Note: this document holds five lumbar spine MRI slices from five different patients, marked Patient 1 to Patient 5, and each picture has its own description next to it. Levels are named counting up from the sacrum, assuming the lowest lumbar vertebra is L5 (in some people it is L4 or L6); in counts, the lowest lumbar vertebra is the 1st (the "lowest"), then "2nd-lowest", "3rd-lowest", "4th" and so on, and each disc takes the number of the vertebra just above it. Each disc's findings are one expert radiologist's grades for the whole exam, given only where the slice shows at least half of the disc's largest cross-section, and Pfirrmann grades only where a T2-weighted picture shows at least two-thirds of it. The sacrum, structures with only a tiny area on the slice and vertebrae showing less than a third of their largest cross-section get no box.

Patient 1 of 5:
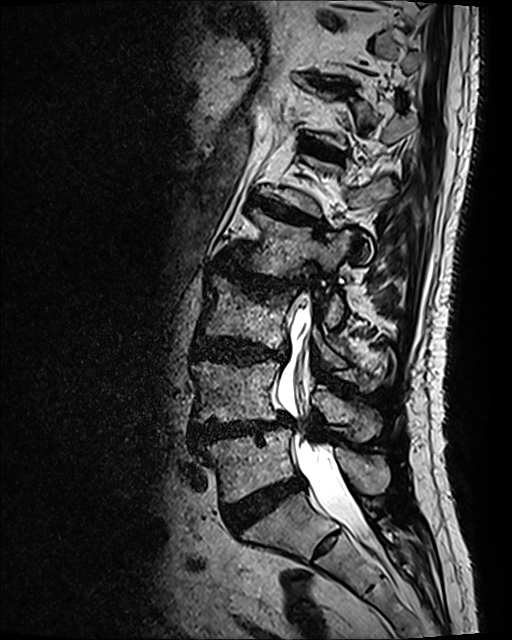 Field of view 240x300 mm, slice spacing 0.9 mm, T2 SPACE (3D) sagittal MRI of the lumbar spine, 512x640 px, Slice 62/120
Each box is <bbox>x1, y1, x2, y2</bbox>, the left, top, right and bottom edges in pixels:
L2 (4th vertebra): <bbox>234, 209, 352, 326</bbox> | L2/L3 (4th disc): <bbox>216, 262, 300, 290</bbox> | L3 (3rd-lowest vertebra): <bbox>199, 275, 379, 390</bbox> | L5 (lowest vertebra): <bbox>206, 428, 390, 501</bbox> | T11/T12 (7th disc): <bbox>313, 78, 347, 89</bbox> | L3/L4 (3rd-lowest disc): <bbox>194, 336, 286, 364</bbox> | IVD L5/S1 (lowest disc): <bbox>223, 475, 304, 532</bbox> | IVD L1/L2 (5th disc): <bbox>253, 198, 324, 230</bbox> | L4 (2nd-lowest vertebra): <bbox>192, 359, 381, 441</bbox> | IVD L4/L5 (2nd-lowest disc): <bbox>191, 412, 291, 447</bbox> | spinal canal: <bbox>278, 306, 371, 540</bbox> | IVD T12/L1 (6th disc): <bbox>304, 140, 342, 159</bbox>

Radiological gradings:
• L4/L5 (2nd-lowest disc): Pfirrmann grade 4, lower-endplate change, disc herniation, Modic type II, disc narrowing, upper-endplate change, spondylolisthesis, disc bulging
• L5/S1 (lowest disc): Pfirrmann grade 4
• L2/L3 (4th disc): Pfirrmann grade 4, lower-endplate change, disc bulging, upper-endplate change, Modic type I, disc narrowing
• L1/L2 (5th disc): upper-endplate change, Modic type II, lower-endplate change, disc bulging
• L3/L4 (3rd-lowest disc): Pfirrmann grade 4, disc bulging, upper-endplate change, lower-endplate change

Patient 2 of 5:
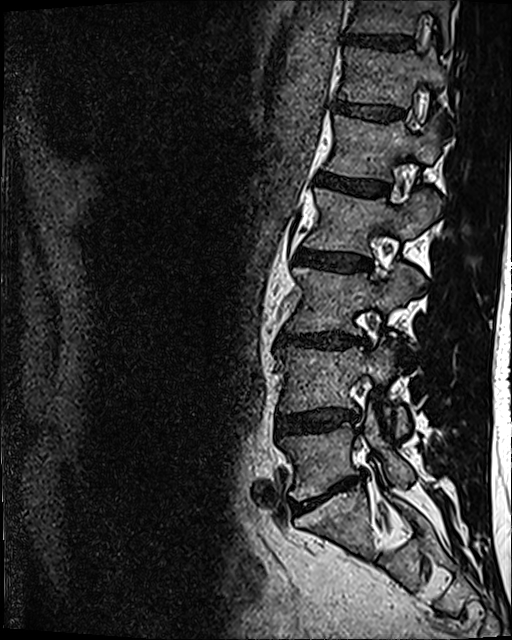
T2 SPACE (3D) sagittal MRI of the lumbar spine. Sagittal slice index 45.

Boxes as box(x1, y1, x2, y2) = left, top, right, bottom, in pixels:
4th vertebra at box(304, 188, 440, 255).
6th vertebra at box(339, 46, 444, 106).
6th disc at box(333, 102, 404, 119).
7th disc at box(344, 34, 412, 51).
5th disc at box(317, 172, 388, 196).
3rd-lowest disc at box(277, 331, 367, 348).
Lowest disc at box(294, 474, 359, 509).
4th disc at box(295, 249, 370, 271).
5th vertebra at box(327, 115, 440, 181).
7th vertebra at box(349, 0, 451, 49).
2nd-lowest vertebra at box(276, 345, 407, 434).
Lowest vertebra at box(280, 407, 413, 499).
2nd-lowest disc at box(276, 407, 359, 434).
3rd-lowest vertebra at box(287, 265, 423, 333).

Radiological gradings:
  6th disc: Pfirrmann grade 3
  2nd-lowest disc: Pfirrmann grade 3, disc narrowing, disc bulging
  3rd-lowest disc: Pfirrmann grade 4, disc narrowing, lower-endplate change, disc bulging
  7th disc: Pfirrmann grade 4
  4th disc: Pfirrmann grade 3, disc bulging
  5th disc: Pfirrmann grade 4

Patient 3 of 5:
MRI lumbar spine (T1-weighted), sagittal plane, 863x861 px, Sagittal slice index 6, Field of view 310x309 mm, slice spacing 4.4 mm 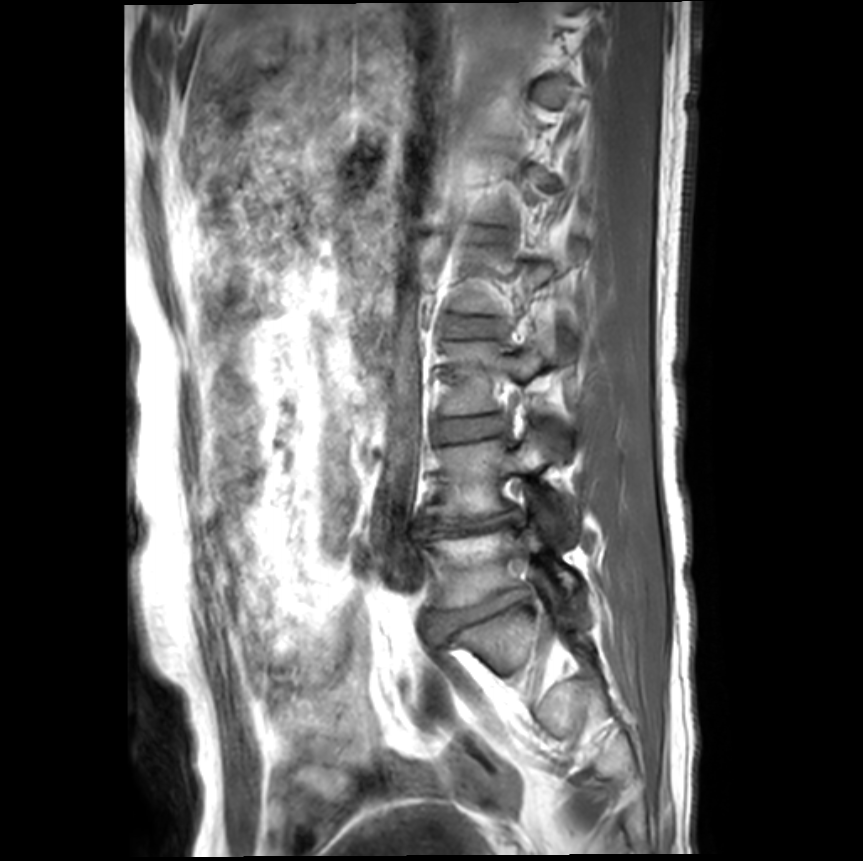
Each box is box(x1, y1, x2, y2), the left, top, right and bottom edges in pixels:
Annotations:
• 3rd-lowest vertebra at box(443, 332, 562, 414)
• lowest vertebra at box(428, 522, 577, 608)
• 2nd-lowest vertebra at box(425, 425, 565, 529)
• 4th disc at box(447, 316, 501, 337)
• 2nd-lowest disc at box(427, 510, 515, 533)
• lowest disc at box(423, 589, 531, 646)
• 3rd-lowest disc at box(435, 415, 505, 441)

Expert MSK radiologist gradings (per disc):
- 2nd-lowest disc: Modic type II, upper-endplate change, disc narrowing, lower-endplate change, disc bulging
- lowest disc: disc bulging, disc narrowing, lower-endplate change, upper-endplate change, spondylolisthesis
- 3rd-lowest disc: no spondylolisthesis, narrowing, bulging, herniation, Modic or endplate change recorded

Patient 4 of 5:
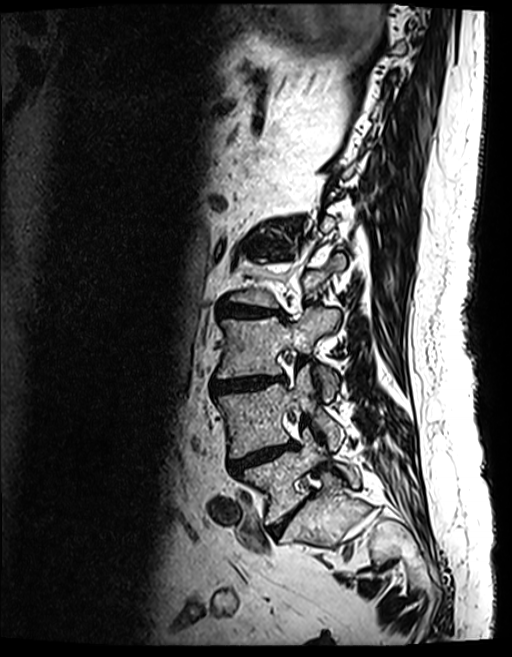

Slice spacing 0.9 mm; Patient sex: F; Image 512x657; Lumbar spine MR, T2 SPACE (3D), sagittal

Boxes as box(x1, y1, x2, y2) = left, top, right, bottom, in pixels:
{"intervertebral disc L2/L3 (4th disc)": "box(217, 302, 281, 316)", "L4 (2nd-lowest vertebra)": "box(218, 363, 343, 457)", "L3/L4 (3rd-lowest disc)": "box(214, 376, 284, 390)", "intervertebral disc L5/S1 (lowest disc)": "box(271, 502, 304, 534)", "intervertebral disc L4/L5 (2nd-lowest disc)": "box(229, 442, 294, 474)", "L3 (3rd-lowest vertebra)": "box(218, 308, 339, 380)", "L5 (lowest vertebra)": "box(241, 428, 359, 524)"}

Degenerative findings by level:
• L3/L4 (3rd-lowest disc): Pfirrmann grade 4, Modic type II, disc bulging, lower-endplate change, upper-endplate change, disc narrowing
• L4/L5 (2nd-lowest disc): Pfirrmann grade 5, disc bulging, upper-endplate change, Modic type II, lower-endplate change, disc narrowing
• L2/L3 (4th disc): Pfirrmann grade 4, Modic type II, disc narrowing, lower-endplate change, disc bulging, upper-endplate change

Patient 5 of 5:
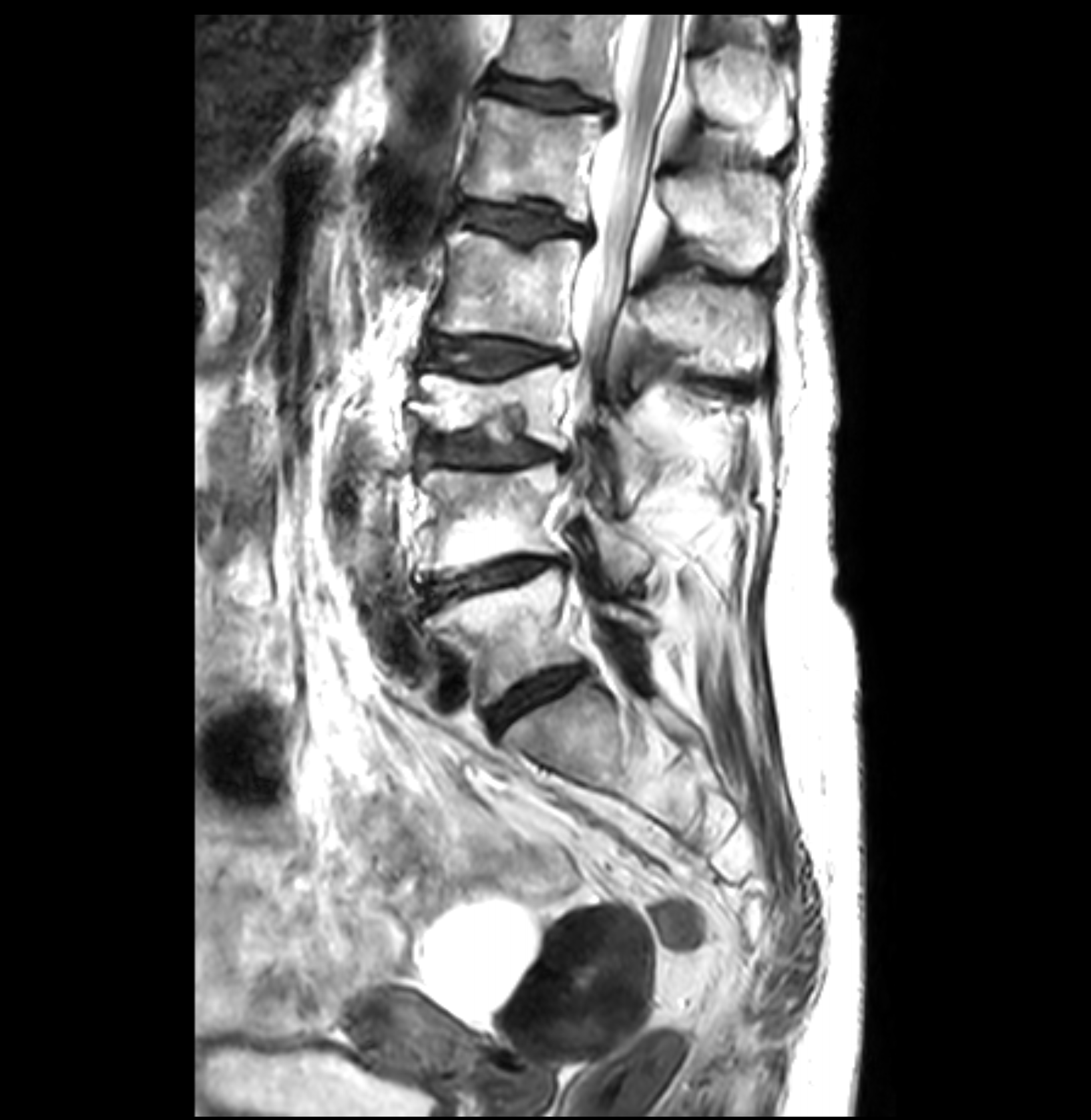

Sagittal slice index 20 | MRI lumbar spine (T2-weighted), sagittal plane

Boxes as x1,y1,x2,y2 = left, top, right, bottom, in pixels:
Annotations:
* L4 vertebra: 417,460,652,582
* L1/L2: 460,203,591,242
* T12 vertebra: 501,13,793,156
* intervertebral disc L4/L5: 424,556,570,608
* intervertebral disc T12/L1: 480,67,613,116
* thecal sac / spinal canal: 568,15,679,429
* L1 vertebra: 460,98,781,272
* L3 vertebra: 409,364,654,514
* L5 vertebra: 424,567,654,706
* L2/L3: 424,337,574,376
* L2 vertebra: 431,226,767,373
* intervertebral disc L5/S1: 487,665,584,729
* L3/L4: 419,413,564,465

Degenerative findings by level:
  L3/L4: Pfirrmann grade 3, Modic type II, upper-endplate change, disc narrowing, disc bulging
  L4/L5: Pfirrmann grade 3, disc narrowing, Modic type II, disc bulging
  T12/L1: Pfirrmann grade 3, upper-endplate change, disc bulging
  L1/L2: Pfirrmann grade 3, lower-endplate change, upper-endplate change
  L2/L3: Pfirrmann grade 3, Modic type II, disc bulging
  L5/S1: disc bulging